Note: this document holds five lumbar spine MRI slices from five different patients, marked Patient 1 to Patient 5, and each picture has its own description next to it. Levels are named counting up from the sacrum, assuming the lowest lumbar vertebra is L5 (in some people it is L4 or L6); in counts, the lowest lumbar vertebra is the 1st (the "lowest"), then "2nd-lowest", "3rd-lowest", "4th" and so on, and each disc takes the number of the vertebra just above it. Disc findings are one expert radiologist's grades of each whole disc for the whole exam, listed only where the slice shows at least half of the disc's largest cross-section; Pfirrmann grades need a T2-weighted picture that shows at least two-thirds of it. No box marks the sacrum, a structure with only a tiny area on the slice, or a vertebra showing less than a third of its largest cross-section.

Patient 1 of 5:
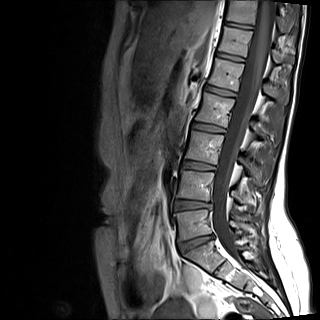

Sagittal T1-weighted lumbar spine MRI | Slice 8/15 | Sex F
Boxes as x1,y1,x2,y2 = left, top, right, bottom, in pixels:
Structures:
* 4th vertebra — 195,92,260,133
* lowest disc — 179,236,213,249
* 6th vertebra — 218,27,294,62
* lowest vertebra — 174,209,250,240
* 6th disc — 216,52,245,61
* 5th vertebra — 209,58,288,103
* 7th vertebra — 226,0,287,32
* 3rd-lowest vertebra — 185,131,261,184
* 7th disc — 225,21,253,29
* 4th disc — 192,123,224,132
* 2nd-lowest disc — 175,200,209,209
* 2nd-lowest vertebra — 177,170,248,204
* 5th disc — 204,85,235,96
* 3rd-lowest disc — 182,161,214,170
* thecal sac / spinal canal — 212,0,274,250

Per-level radiological findings:
  lowest disc: Modic type II, disc bulging, disc narrowing, disc herniation
  2nd-lowest disc: disc narrowing
  5th disc, 4th disc, 6th disc, 3rd-lowest disc, 7th disc: no spondylolisthesis, narrowing, bulging, herniation, Modic or endplate change recorded

Patient 2 of 5:
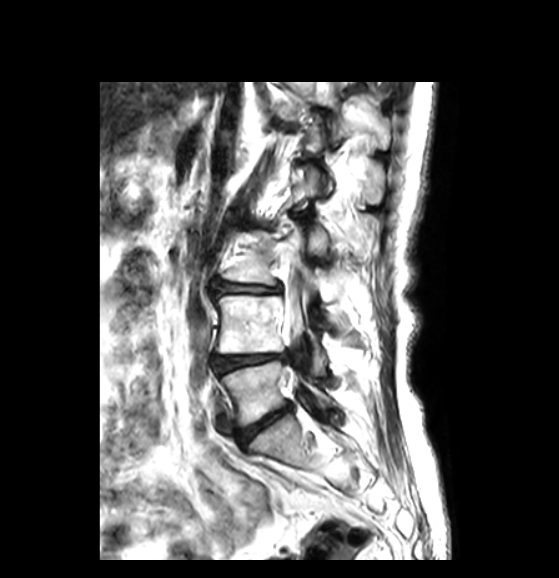

T2-weighted sagittal MRI of the lumbar spine, Sagittal slice index 23

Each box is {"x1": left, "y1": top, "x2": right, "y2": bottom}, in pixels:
* L2 (4th vertebra) = {"x1": 295, "y1": 168, "x2": 379, "y2": 256}
* IVD L5/S1 (lowest disc) = {"x1": 238, "y1": 406, "x2": 290, "y2": 444}
* spinal canal = {"x1": 282, "y1": 81, "x2": 342, "y2": 340}
* L3 (3rd-lowest vertebra) = {"x1": 223, "y1": 225, "x2": 354, "y2": 302}
* L4 (2nd-lowest vertebra) = {"x1": 217, "y1": 295, "x2": 326, "y2": 374}
* IVD L3/L4 (3rd-lowest disc) = {"x1": 217, "y1": 282, "x2": 281, "y2": 292}
* L5 (lowest vertebra) = {"x1": 221, "y1": 360, "x2": 331, "y2": 425}
* IVD L4/L5 (2nd-lowest disc) = {"x1": 212, "y1": 352, "x2": 287, "y2": 372}
* T12 (6th vertebra) = {"x1": 273, "y1": 81, "x2": 390, "y2": 148}

Per-level radiological findings:
  L5/S1 (lowest disc): disc narrowing, disc bulging
  L4/L5 (2nd-lowest disc): Pfirrmann grade 3, disc bulging
  L3/L4 (3rd-lowest disc): Pfirrmann grade 3, disc narrowing, disc bulging

Patient 3 of 5:
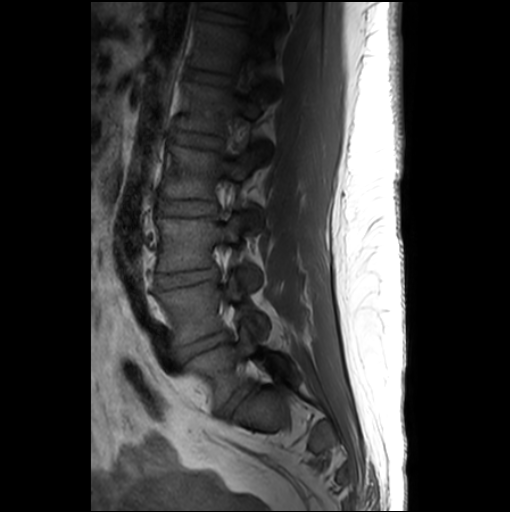 MRI lumbar spine (T1-weighted), sagittal plane. Slice 18 of 26. Patient sex: F.
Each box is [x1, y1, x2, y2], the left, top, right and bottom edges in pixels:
Annotations:
- spinal canal — [243, 2, 269, 71]
- IVD L5/S1 — [218, 382, 250, 417]
- IVD L2/L3 — [157, 199, 215, 215]
- L5 vertebra — [184, 330, 292, 408]
- L4/L5 — [172, 330, 230, 364]
- L1 — [175, 82, 269, 159]
- L3 vertebra — [157, 215, 259, 286]
- L4 — [157, 277, 267, 344]
- T11 vertebra — [202, 2, 284, 23]
- T12 vertebra — [190, 21, 277, 96]
- IVD T11/T12 — [198, 6, 249, 24]
- IVD T12/L1 — [185, 68, 233, 83]
- IVD L3/L4 — [156, 267, 217, 288]
- IVD L1/L2 — [169, 130, 222, 146]
- L2 vertebra — [161, 146, 259, 229]

Radiological gradings:
- L3/L4: disc bulging, disc narrowing
- L4/L5: disc bulging, disc narrowing
- L2/L3, L1/L2, T12/L1, T11/T12: no herniation, bulging, narrowing, spondylolisthesis, endplate or Modic change recorded

Patient 4 of 5:
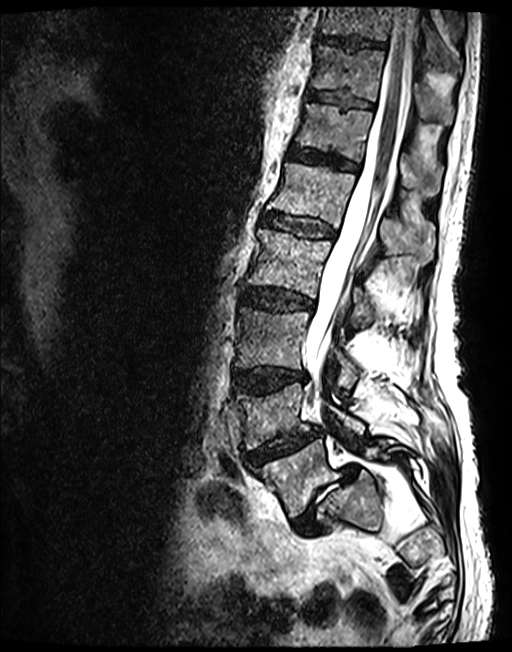
512x652 px, Lumbar spine MR, T2 SPACE (3D), sagittal

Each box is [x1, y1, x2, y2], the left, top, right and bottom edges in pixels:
7th vertebra: [313, 45, 453, 123] | 8th vertebra: [320, 7, 459, 70] | thecal sac / spinal canal: [306, 7, 417, 394] | lowest disc: [293, 465, 357, 533] | 7th disc: [308, 91, 372, 108] | 6th disc: [288, 146, 357, 171] | 8th disc: [317, 34, 385, 49] | 5th vertebra: [267, 162, 434, 264] | 4th disc: [242, 288, 311, 309] | 5th disc: [263, 213, 333, 237] | 6th vertebra: [295, 103, 441, 196] | 4th vertebra: [247, 230, 376, 322] | 3rd-lowest disc: [233, 368, 305, 393] | 2nd-lowest vertebra: [233, 385, 364, 449] | lowest vertebra: [253, 439, 414, 517] | 3rd-lowest vertebra: [235, 307, 360, 386] | 2nd-lowest disc: [243, 428, 320, 464]

Radiological gradings:
  lowest disc: Pfirrmann grade 5, disc herniation, disc narrowing, spondylolisthesis, Modic type II
  7th disc: Pfirrmann grade 3
  2nd-lowest disc: disc narrowing, upper-endplate change, disc herniation, lower-endplate change, spondylolisthesis
  6th disc: Pfirrmann grade 3
  5th disc: Pfirrmann grade 3
  4th disc: Pfirrmann grade 3, disc bulging
  3rd-lowest disc: Pfirrmann grade 3, disc bulging, lower-endplate change, upper-endplate change
  8th disc: Pfirrmann grade 3

Patient 5 of 5:
Slice spacing 3.3 mm | Sex M | Slice 7 of 26 | Sagittal T2-weighted lumbar spine MRI 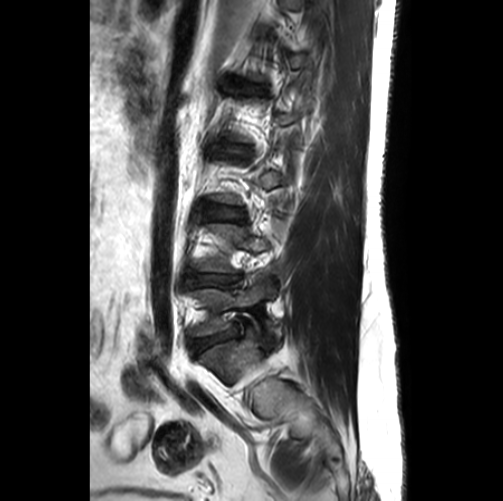 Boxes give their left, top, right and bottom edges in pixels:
3rd-lowest disc: left=206, top=206, right=244, bottom=222 | lowest disc: left=191, top=328, right=234, bottom=353 | lowest vertebra: left=189, top=281, right=280, bottom=339 | 2nd-lowest disc: left=189, top=273, right=238, bottom=285 | 4th disc: left=212, top=146, right=251, bottom=157

Expert MSK radiologist gradings (per disc):
- 4th disc: no Modic or endplate change, herniation, narrowing, bulging or spondylolisthesis recorded